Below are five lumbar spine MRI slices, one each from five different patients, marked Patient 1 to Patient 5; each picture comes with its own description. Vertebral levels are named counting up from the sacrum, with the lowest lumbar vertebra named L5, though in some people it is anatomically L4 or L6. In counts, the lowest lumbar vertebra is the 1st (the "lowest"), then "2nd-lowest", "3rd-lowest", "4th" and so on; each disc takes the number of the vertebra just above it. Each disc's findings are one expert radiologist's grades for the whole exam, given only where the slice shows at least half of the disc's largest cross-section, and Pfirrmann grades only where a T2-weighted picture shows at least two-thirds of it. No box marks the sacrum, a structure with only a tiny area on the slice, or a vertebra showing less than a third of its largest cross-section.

Patient 1 of 5:
T2 SPACE (3D) sagittal MRI of the lumbar spine. Slice 39 of 120.

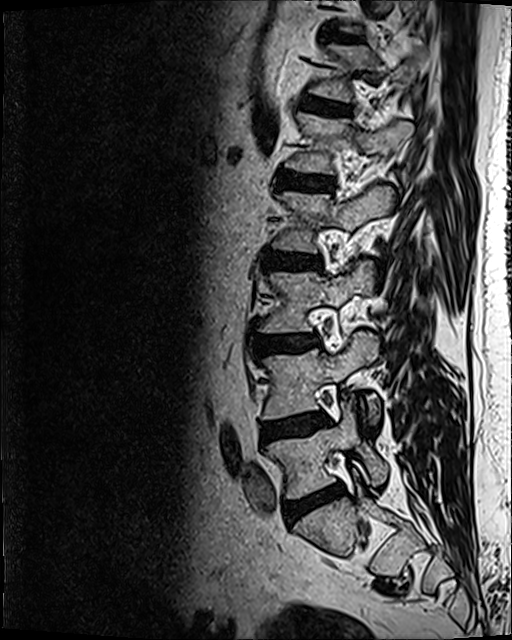
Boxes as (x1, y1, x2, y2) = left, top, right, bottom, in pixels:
Annotations:
• L2 (4th vertebra) = (272, 186, 393, 252)
• L3 (3rd-lowest vertebra) = (258, 260, 374, 333)
• L4 (2nd-lowest vertebra) = (260, 330, 379, 421)
• IVD L3/L4 (3rd-lowest disc) = (253, 335, 313, 353)
• IVD L4/L5 (2nd-lowest disc) = (262, 412, 328, 441)
• L5/S1 (lowest disc) = (285, 486, 344, 520)
• L1/L2 (5th disc) = (275, 169, 333, 191)
• T12/L1 (6th disc) = (299, 97, 348, 114)
• T12 (6th vertebra) = (310, 44, 427, 101)
• IVD L2/L3 (4th disc) = (265, 253, 318, 267)
• IVD T11/T12 (7th disc) = (329, 32, 360, 42)
• L1 (5th vertebra) = (285, 111, 412, 174)
• L5 (lowest vertebra) = (267, 398, 388, 498)

Per-level radiological findings:
- L4/L5 (2nd-lowest disc): Pfirrmann grade 2, disc bulging, Modic type II
- L1/L2 (5th disc): Pfirrmann grade 3, disc bulging
- L3/L4 (3rd-lowest disc): disc bulging, Modic type II
- T12/L1 (6th disc): no spondylolisthesis, narrowing, bulging, herniation, Modic or endplate change recorded

Patient 2 of 5:
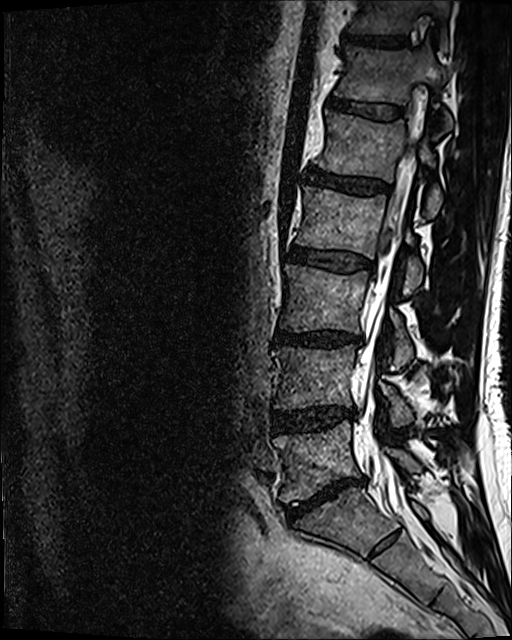 Lumbar spine MR, T2 SPACE (3D), sagittal. Sex M. Slice spacing 0.9 mm. Slice 75/120.
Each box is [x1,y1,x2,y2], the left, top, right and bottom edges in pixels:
Disc L2/L3 at [289,247,374,271], L1/L2 at [306,167,391,194], disc T12/L1 at [330,97,403,119], T12 vertebra at [335,46,452,129], disc L4/L5 at [272,406,354,431], spinal canal at [359,136,418,509], T11 vertebra at [350,0,450,51], L2 vertebra at [296,187,423,295], T11/T12 at [345,33,403,47], L5 at [273,422,420,503], L1 at [316,112,441,216], L3/L4 at [274,331,361,347], L3 at [281,264,412,369], L4 at [272,346,411,426], disc L5/S1 at [286,476,365,519].

Degenerative findings by level:
• L4/L5: Pfirrmann grade 3, disc narrowing, disc bulging
• L1/L2: Pfirrmann grade 4
• T12/L1: Pfirrmann grade 3
• L2/L3: Pfirrmann grade 3, disc bulging
• L5/S1: Pfirrmann grade 5, Modic type II, disc narrowing, disc bulging
• L3/L4: Pfirrmann grade 4, disc narrowing, disc bulging, lower-endplate change
• T11/T12: no herniation, bulging, narrowing, spondylolisthesis, endplate or Modic change recorded

Patient 3 of 5:
Slice 74/120 | 512x640 px | T2 SPACE (3D) sagittal MRI of the lumbar spine 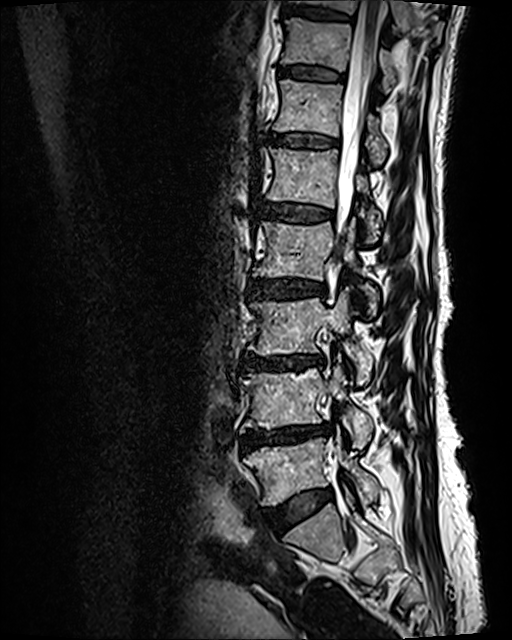

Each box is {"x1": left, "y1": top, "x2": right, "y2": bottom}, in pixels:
8th disc: {"x1": 287, "y1": 7, "x2": 352, "y2": 21}.
2nd-lowest disc: {"x1": 242, "y1": 424, "x2": 331, "y2": 450}.
Lowest vertebra: {"x1": 243, "y1": 429, "x2": 378, "y2": 505}.
2nd-lowest vertebra: {"x1": 240, "y1": 362, "x2": 374, "y2": 449}.
7th vertebra: {"x1": 281, "y1": 18, "x2": 397, "y2": 92}.
8th vertebra: {"x1": 296, "y1": 0, "x2": 442, "y2": 40}.
4th disc: {"x1": 246, "y1": 278, "x2": 325, "y2": 298}.
7th disc: {"x1": 278, "y1": 66, "x2": 343, "y2": 80}.
4th vertebra: {"x1": 253, "y1": 219, "x2": 379, "y2": 313}.
Spinal canal: {"x1": 337, "y1": 0, "x2": 384, "y2": 256}.
5th disc: {"x1": 261, "y1": 203, "x2": 332, "y2": 221}.
6th disc: {"x1": 271, "y1": 134, "x2": 337, "y2": 148}.
Lowest disc: {"x1": 267, "y1": 489, "x2": 331, "y2": 528}.
3rd-lowest vertebra: {"x1": 248, "y1": 289, "x2": 372, "y2": 384}.
5th vertebra: {"x1": 267, "y1": 148, "x2": 381, "y2": 241}.
3rd-lowest disc: {"x1": 242, "y1": 354, "x2": 323, "y2": 370}.
6th vertebra: {"x1": 272, "y1": 79, "x2": 388, "y2": 163}.

Degenerative findings by level:
• 2nd-lowest disc: Pfirrmann grade 4, disc bulging, lower-endplate change, Modic type II, disc narrowing, upper-endplate change
• 4th disc: Pfirrmann grade 3, Modic type II, lower-endplate change, disc bulging, upper-endplate change
• 3rd-lowest disc: Pfirrmann grade 4, disc bulging, lower-endplate change, upper-endplate change, disc narrowing, Modic type II
• lowest disc: Pfirrmann grade 2, disc bulging
• 6th disc: Pfirrmann grade 2, upper-endplate change, Modic type II, lower-endplate change
• 8th disc: Pfirrmann grade 2, upper-endplate change, lower-endplate change
• 7th disc: Pfirrmann grade 2, upper-endplate change, Modic type II, lower-endplate change
• 5th disc: Pfirrmann grade 3, lower-endplate change, Modic type II, upper-endplate change

Patient 4 of 5:
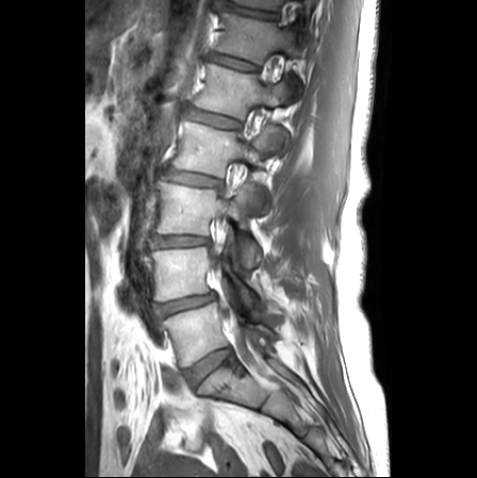 477x478 px. MRI lumbar spine (T1-weighted), sagittal plane. Slice 9 of 25.
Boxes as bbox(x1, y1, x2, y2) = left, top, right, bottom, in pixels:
Lowest vertebra at bbox(164, 303, 274, 366); 7th disc at bbox(214, 4, 277, 19); 2nd-lowest vertebra at bbox(152, 247, 259, 307); 3rd-lowest vertebra at bbox(158, 177, 260, 266); thecal sac / spinal canal at bbox(213, 198, 262, 372); 6th disc at bbox(209, 53, 257, 71); 6th vertebra at bbox(216, 13, 300, 63); 5th vertebra at bbox(195, 64, 287, 119); 2nd-lowest disc at bbox(155, 294, 215, 317); lowest disc at bbox(184, 348, 231, 385); 3rd-lowest disc at bbox(153, 236, 208, 247); 5th disc at bbox(186, 107, 240, 129); 4th disc at bbox(165, 168, 221, 187); 7th vertebra at bbox(226, 0, 281, 9); 4th vertebra at bbox(174, 120, 277, 176).

Radiological gradings:
- 4th disc: disc bulging, lower-endplate change, upper-endplate change
- 2nd-lowest disc: disc bulging, upper-endplate change, lower-endplate change, disc narrowing
- 7th disc: upper-endplate change, disc narrowing, lower-endplate change
- 6th disc: upper-endplate change, lower-endplate change
- 5th disc: upper-endplate change, lower-endplate change
- 3rd-lowest disc: disc narrowing, disc bulging
- lowest disc: no Modic or endplate change, herniation, narrowing, bulging or spondylolisthesis recorded

Patient 5 of 5:
Patient sex: F; Slice 72 of 120; Sagittal T2 SPACE (3D) lumbar spine MRI
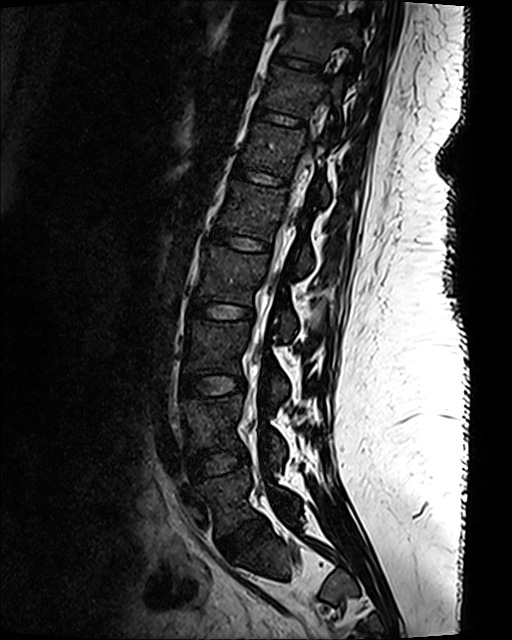
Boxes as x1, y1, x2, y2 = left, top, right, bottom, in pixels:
{"T12 (6th vertebra)": "243, 122, 329, 205", "L1 (5th vertebra)": "221, 180, 312, 273", "T11 (7th vertebra)": "264, 66, 344, 137", "IVD T11/T12 (7th disc)": "256, 107, 304, 126", "IVD L5/S1 (lowest disc)": "221, 517, 266, 557", "L5 (lowest vertebra)": "195, 465, 299, 534", "L4 (2nd-lowest vertebra)": "181, 396, 286, 462", "T10/T11 (8th disc)": "275, 54, 319, 72", "L2 (4th vertebra)": "197, 245, 296, 341", "IVD L4/L5 (2nd-lowest disc)": "188, 448, 248, 479", "L1/L2 (5th disc)": "212, 229, 269, 250", "T10 (8th vertebra)": "281, 14, 362, 68", "IVD L3/L4 (3rd-lowest disc)": "181, 374, 245, 396", "L2/L3 (4th disc)": "191, 298, 253, 319", "thecal sac / spinal canal": "259, 161, 308, 337", "T12/L1 (6th disc)": "235, 166, 286, 185", "L3 (3rd-lowest vertebra)": "185, 320, 288, 402"}

Expert MSK radiologist gradings (per disc):
• L4/L5 (2nd-lowest disc): Pfirrmann grade 1
• L1/L2 (5th disc): Pfirrmann grade 1
• T11/T12 (7th disc): Pfirrmann grade 1
• T10/T11 (8th disc): Pfirrmann grade 1
• L3/L4 (3rd-lowest disc): Pfirrmann grade 1
• T12/L1 (6th disc): Pfirrmann grade 1
• L2/L3 (4th disc): Pfirrmann grade 1
• L5/S1 (lowest disc): no spondylolisthesis, narrowing, bulging, herniation, Modic or endplate change recorded